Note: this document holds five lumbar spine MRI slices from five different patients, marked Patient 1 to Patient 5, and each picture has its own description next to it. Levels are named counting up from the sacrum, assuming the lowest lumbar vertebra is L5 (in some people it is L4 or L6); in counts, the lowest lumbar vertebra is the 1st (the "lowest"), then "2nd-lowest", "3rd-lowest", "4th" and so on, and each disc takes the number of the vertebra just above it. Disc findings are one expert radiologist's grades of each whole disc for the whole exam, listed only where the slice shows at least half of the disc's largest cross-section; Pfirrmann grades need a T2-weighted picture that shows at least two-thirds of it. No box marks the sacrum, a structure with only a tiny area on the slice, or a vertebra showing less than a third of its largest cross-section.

Patient 1 of 5:
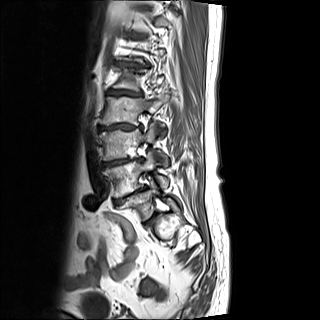
Image 320x320 | MRI lumbar spine (T1-weighted), sagittal plane

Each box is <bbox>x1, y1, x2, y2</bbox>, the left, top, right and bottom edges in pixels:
Intervertebral disc L2/L3 (4th disc) = <bbox>99, 124, 141, 130</bbox>.
Intervertebral disc L3/L4 (3rd-lowest disc) = <bbox>103, 158, 142, 167</bbox>.
Intervertebral disc T12/L1 (6th disc) = <bbox>117, 62, 139, 67</bbox>.
L2 (4th vertebra) = <bbox>101, 94, 169, 125</bbox>.
L4 (2nd-lowest vertebra) = <bbox>104, 150, 168, 197</bbox>.
L1 (5th vertebra) = <bbox>113, 67, 163, 91</bbox>.
L3 (3rd-lowest vertebra) = <bbox>99, 122, 167, 165</bbox>.
L5 (lowest vertebra) = <bbox>123, 178, 158, 219</bbox>.
Intervertebral disc L1/L2 (5th disc) = <bbox>109, 90, 141, 96</bbox>.

Degenerative findings by level:
• L1/L2 (5th disc): disc bulging, Modic type II, disc narrowing, upper-endplate change, lower-endplate change
• L3/L4 (3rd-lowest disc): lower-endplate change, disc bulging, disc narrowing, upper-endplate change, Modic type II
• L2/L3 (4th disc): disc bulging, lower-endplate change, Modic type II, disc narrowing, upper-endplate change

Patient 2 of 5:
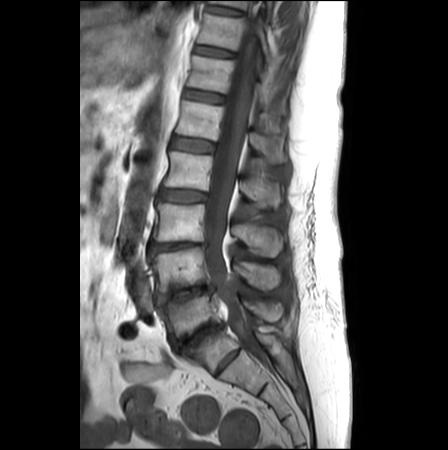

Slice 13/26 | Lumbar spine MR, T1-weighted, sagittal | Image 448x450 | Slice spacing 3.3 mm

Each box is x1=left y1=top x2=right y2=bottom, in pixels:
T11 vertebra at x1=198 y1=13 x2=270 y2=62, spinal canal at x1=205 y1=1 x2=263 y2=360, T10 at x1=210 y1=0 x2=273 y2=10, disc L4/L5 at x1=156 y1=283 x2=215 y2=305, L3 at x1=153 y1=202 x2=283 y2=257, L4 at x1=149 y1=247 x2=280 y2=292, L2 at x1=164 y1=151 x2=282 y2=206, disc L3/L4 at x1=149 y1=241 x2=206 y2=251, disc T10/T11 at x1=208 y1=4 x2=241 y2=14, disc L1/L2 at x1=172 y1=136 x2=214 y2=152, T11/T12 at x1=194 y1=44 x2=232 y2=56, L2/L3 at x1=160 y1=189 x2=206 y2=201, disc L5/S1 at x1=173 y1=323 x2=223 y2=351, L1 vertebra at x1=175 y1=100 x2=286 y2=162, T12 vertebra at x1=186 y1=55 x2=285 y2=113, L5 vertebra at x1=159 y1=292 x2=282 y2=336, disc T12/L1 at x1=184 y1=90 x2=223 y2=102.

Per-level radiological findings:
• L4/L5: disc narrowing, disc bulging
• L5/S1: disc bulging, Modic type II, disc narrowing, upper-endplate change, lower-endplate change
• L2/L3: disc bulging
• L3/L4: disc narrowing, lower-endplate change, upper-endplate change, disc bulging
• L1/L2, T10/T11, T11/T12, T12/L1: no herniation, bulging, narrowing, spondylolisthesis, endplate or Modic change recorded

Patient 3 of 5:
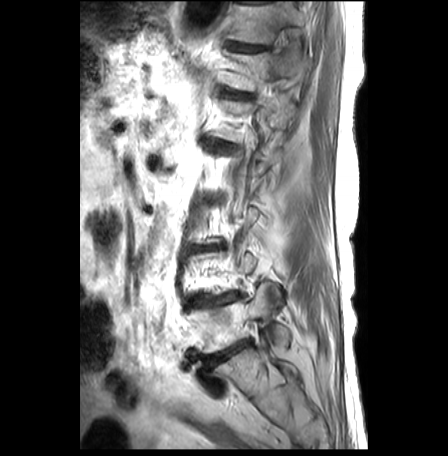 Field of view 280x285 mm, slice spacing 3.2 mm. Lumbar spine MR, T2-weighted, sagittal.
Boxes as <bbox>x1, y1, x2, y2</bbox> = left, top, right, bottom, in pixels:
5th vertebra: <bbox>216, 99, 295, 142</bbox>.
Lowest vertebra: <bbox>187, 285, 290, 353</bbox>.
5th disc: <bbox>206, 138, 236, 151</bbox>.
2nd-lowest disc: <bbox>188, 293, 241, 311</bbox>.
6th disc: <bbox>220, 87, 248, 98</bbox>.
7th disc: <bbox>224, 41, 268, 52</bbox>.
Lowest disc: <bbox>204, 339, 250, 367</bbox>.
7th vertebra: <bbox>227, 4, 304, 44</bbox>.
6th vertebra: <bbox>218, 50, 300, 90</bbox>.

Expert MSK radiologist gradings (per disc):
- lowest disc: Pfirrmann grade 5, disc narrowing, disc bulging, Modic type II
- 7th disc: Modic type II, lower-endplate change, upper-endplate change
- 5th disc: lower-endplate change, upper-endplate change, Modic type II, disc bulging

Patient 4 of 5:
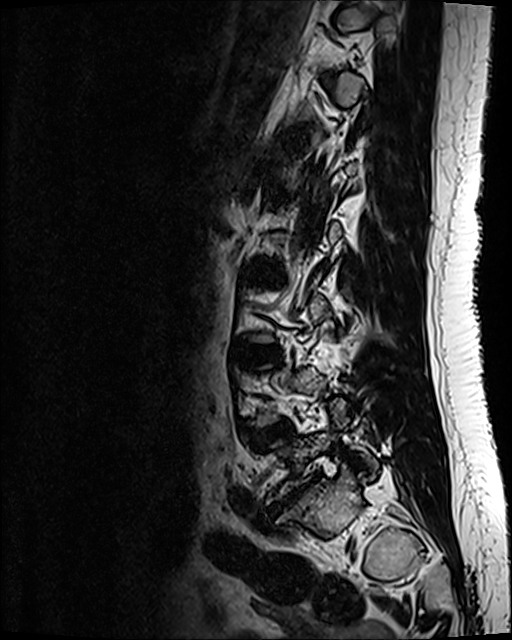 Patient sex: F | 512x640 px | Field of view 240x300 mm | Sagittal T2 SPACE (3D) lumbar spine MRI
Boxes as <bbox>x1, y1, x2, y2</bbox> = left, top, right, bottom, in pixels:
- intervertebral disc L3/L4 (3rd-lowest disc) = <bbox>238, 349, 274, 361</bbox>
- L4/L5 (2nd-lowest disc) = <bbox>251, 425, 287, 441</bbox>
- intervertebral disc L5/S1 (lowest disc) = <bbox>274, 489, 303, 513</bbox>

Patient 5 of 5:
SIEMENS Skyra_fit (3T); MRI lumbar spine (T1-weighted), sagittal plane

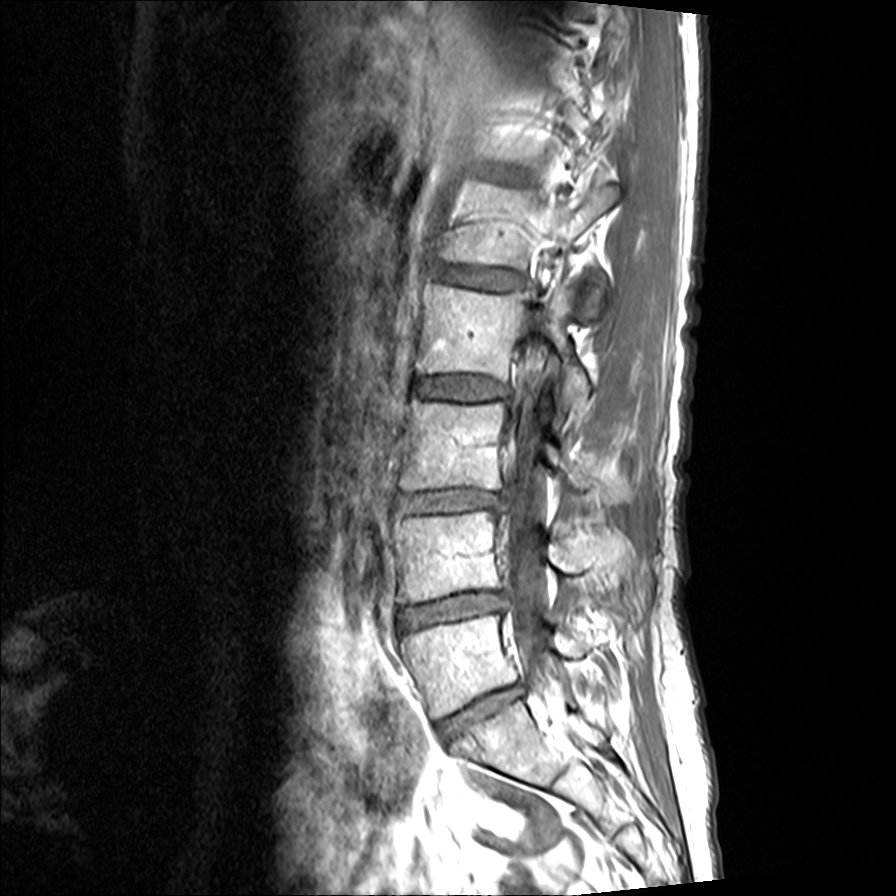 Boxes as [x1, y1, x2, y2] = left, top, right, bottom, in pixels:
4th vertebra = [417, 278, 590, 408].
4th disc = [417, 375, 508, 398].
2nd-lowest vertebra = [391, 510, 620, 601].
Lowest vertebra = [401, 614, 583, 719].
Spinal canal = [505, 357, 552, 690].
5th vertebra = [445, 183, 619, 307].
3rd-lowest vertebra = [402, 398, 624, 498].
5th disc = [438, 266, 522, 288].
Lowest disc = [438, 683, 524, 742].
2nd-lowest disc = [397, 591, 508, 628].
3rd-lowest disc = [397, 489, 504, 510].

Per-level radiological findings:
  lowest disc: disc bulging, disc narrowing
  4th disc: Modic type II
  2nd-lowest disc: disc bulging, disc narrowing
  3rd-lowest disc: disc narrowing, disc bulging
  5th disc: no spondylolisthesis, narrowing, bulging, herniation, Modic or endplate change recorded